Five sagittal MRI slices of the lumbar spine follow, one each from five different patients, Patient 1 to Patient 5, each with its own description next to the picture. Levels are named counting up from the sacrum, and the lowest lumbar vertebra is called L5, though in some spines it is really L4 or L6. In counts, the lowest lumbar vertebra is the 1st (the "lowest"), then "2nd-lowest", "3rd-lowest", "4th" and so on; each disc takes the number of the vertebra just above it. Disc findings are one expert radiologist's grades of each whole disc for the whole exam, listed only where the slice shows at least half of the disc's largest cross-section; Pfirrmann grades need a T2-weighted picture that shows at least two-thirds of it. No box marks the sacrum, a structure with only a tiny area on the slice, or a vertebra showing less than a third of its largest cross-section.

Patient 1 of 5:
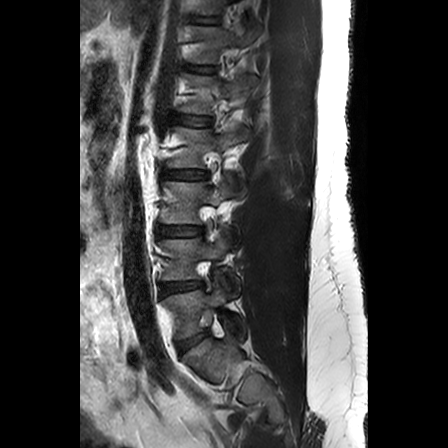 Lumbar spine MR, T2-weighted, sagittal. Slice 7 of 24.
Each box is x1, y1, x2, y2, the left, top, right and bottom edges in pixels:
L3/L4 at 159, 226, 202, 235.
T12/L1 at 188, 66, 215, 72.
L3 vertebra at 162, 175, 235, 224.
L1 vertebra at 180, 75, 254, 113.
T12 vertebra at 191, 27, 251, 63.
IVD L5/S1 at 177, 332, 206, 352.
L1/L2 at 170, 114, 210, 125.
T11/T12 at 194, 17, 216, 23.
IVD L4/L5 at 161, 281, 201, 295.
L4 vertebra at 161, 227, 240, 296.
L2 vertebra at 167, 127, 248, 167.
L2/L3 at 163, 170, 207, 178.
L5 at 164, 283, 244, 338.

Radiological gradings:
• L2/L3: Pfirrmann grade 2, disc bulging
• L1/L2: Pfirrmann grade 1
• L4/L5, L3/L4: no Modic or endplate change, herniation, narrowing, bulging or spondylolisthesis recorded

Patient 2 of 5:
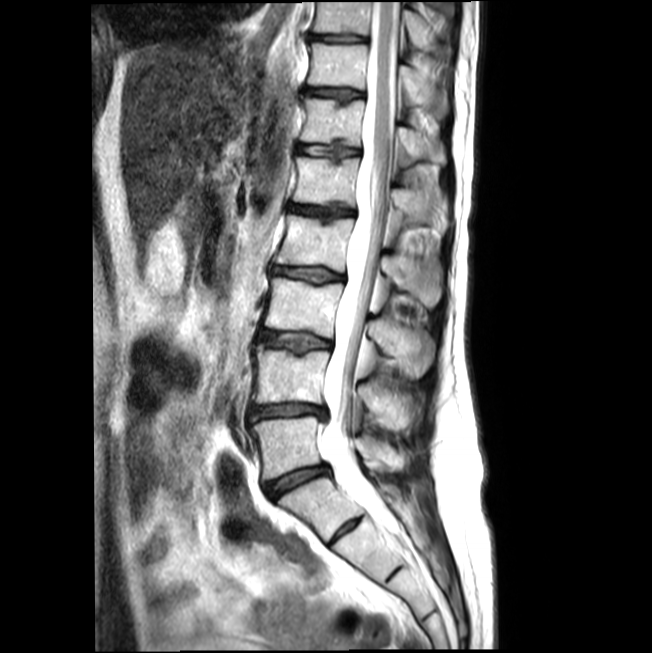 Slice 9/17. 652x653 px. Sex F. MRI lumbar spine (T2-weighted), sagittal plane.

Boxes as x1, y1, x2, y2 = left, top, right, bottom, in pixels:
4th disc at 273, 267, 342, 282; 3rd-lowest vertebra at 265, 278, 434, 377; lowest disc at 265, 465, 328, 497; 7th vertebra at 308, 43, 449, 118; 5th vertebra at 293, 157, 448, 237; 8th disc at 312, 34, 364, 41; 6th disc at 298, 144, 358, 158; 4th vertebra at 276, 215, 442, 307; 2nd-lowest vertebra at 252, 346, 423, 431; 7th disc at 306, 88, 362, 100; 6th vertebra at 301, 97, 446, 166; 3rd-lowest disc at 260, 331, 330, 353; 8th vertebra at 315, 2, 449, 53; 5th disc at 289, 204, 353, 220; lowest vertebra at 251, 417, 413, 479; 2nd-lowest disc at 251, 404, 325, 420; thecal sac / spinal canal at 318, 2, 401, 530.

Degenerative findings by level:
• 6th disc: Pfirrmann grade 2, upper-endplate change, lower-endplate change, disc narrowing
• lowest disc: Pfirrmann grade 2, disc narrowing, disc bulging
• 7th disc: Pfirrmann grade 3, disc narrowing, upper-endplate change, lower-endplate change
• 2nd-lowest disc: Pfirrmann grade 3, disc narrowing, disc herniation
• 4th disc: Pfirrmann grade 2, lower-endplate change, disc narrowing, upper-endplate change
• 5th disc: Pfirrmann grade 4, disc narrowing, upper-endplate change, lower-endplate change
• 8th disc: Pfirrmann grade 3, disc narrowing
• 3rd-lowest disc: Pfirrmann grade 2, disc narrowing, upper-endplate change, lower-endplate change

Patient 3 of 5:
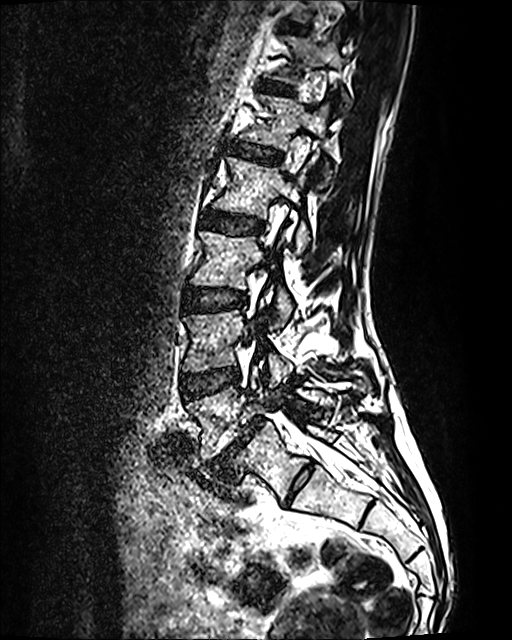 Sagittal T2 SPACE (3D) lumbar spine MRI; Sagittal slice index 73; Patient sex: F
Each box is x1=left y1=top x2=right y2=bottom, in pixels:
Structures:
* 3rd-lowest vertebra: x1=191 y1=231 x2=293 y2=326
* 5th disc: x1=234 y1=144 x2=280 y2=162
* 5th vertebra: x1=246 y1=95 x2=332 y2=186
* 2nd-lowest vertebra: x1=183 y1=310 x2=291 y2=386
* 3rd-lowest disc: x1=184 y1=288 x2=245 y2=311
* lowest vertebra: x1=186 y1=368 x2=332 y2=460
* lowest disc: x1=206 y1=417 x2=264 y2=473
* 4th vertebra: x1=214 y1=158 x2=309 y2=254
* 7th disc: x1=279 y1=24 x2=307 y2=30
* 6th disc: x1=264 y1=82 x2=293 y2=93
* 4th disc: x1=204 y1=211 x2=262 y2=233
* 6th vertebra: x1=277 y1=33 x2=345 y2=87
* thecal sac / spinal canal: x1=248 y1=145 x2=336 y2=461
* 2nd-lowest disc: x1=181 y1=368 x2=239 y2=398

Per-level radiological findings:
  3rd-lowest disc: Pfirrmann grade 2
  4th disc: Pfirrmann grade 2
  5th disc: Pfirrmann grade 2
  lowest disc: Pfirrmann grade 5, disc narrowing, Modic type II, disc bulging, spondylolisthesis
  2nd-lowest disc: Pfirrmann grade 2

Patient 4 of 5:
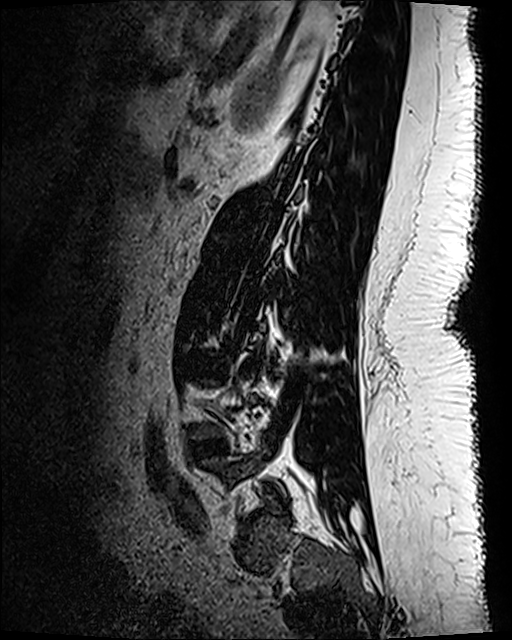
Sagittal slice index 27, Lumbar spine MR, T2 SPACE (3D), sagittal, 512x640 px

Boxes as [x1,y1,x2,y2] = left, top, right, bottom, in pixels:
- 3rd-lowest disc at [192,358,226,375]
- 2nd-lowest disc at [193,441,226,456]

Patient 5 of 5:
Sagittal T1-weighted lumbar spine MRI 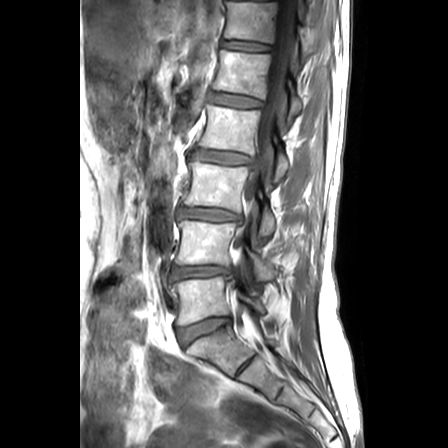 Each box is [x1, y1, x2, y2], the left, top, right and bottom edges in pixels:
{"L2/L3": "[190, 149, 251, 164]", "L5/S1": "[178, 316, 230, 345]", "disc L3/L4": "[179, 207, 239, 221]", "L2 vertebra": "[198, 105, 289, 182]", "T12 vertebra": "[223, 2, 310, 64]", "L5 vertebra": "[172, 276, 265, 325]", "T12/L1": "[222, 40, 269, 51]", "L3 vertebra": "[184, 162, 275, 241]", "L1": "[213, 50, 302, 128]", "L1/L2": "[209, 92, 261, 107]", "spinal canal": "[238, 0, 295, 247]", "disc L4/L5": "[172, 266, 236, 279]", "L4 vertebra": "[176, 221, 274, 281]"}

Per-level radiological findings:
  L2/L3: lower-endplate change, Modic type II, upper-endplate change, disc bulging
  L1/L2: upper-endplate change, Modic type II, lower-endplate change
  L4/L5: lower-endplate change, disc herniation, disc narrowing, upper-endplate change
  T12/L1: Modic type II
  L3/L4: upper-endplate change, lower-endplate change, disc bulging
  L5/S1: no herniation, bulging, narrowing, spondylolisthesis, endplate or Modic change recorded